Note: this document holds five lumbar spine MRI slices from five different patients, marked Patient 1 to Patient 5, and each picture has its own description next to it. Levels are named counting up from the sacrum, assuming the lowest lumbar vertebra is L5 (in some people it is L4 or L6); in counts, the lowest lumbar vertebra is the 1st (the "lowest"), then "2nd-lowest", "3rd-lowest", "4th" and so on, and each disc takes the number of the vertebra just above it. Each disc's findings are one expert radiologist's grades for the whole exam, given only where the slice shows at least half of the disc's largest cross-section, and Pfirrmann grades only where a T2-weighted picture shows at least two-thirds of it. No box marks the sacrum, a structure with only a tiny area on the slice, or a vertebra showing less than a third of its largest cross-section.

Patient 1 of 5:
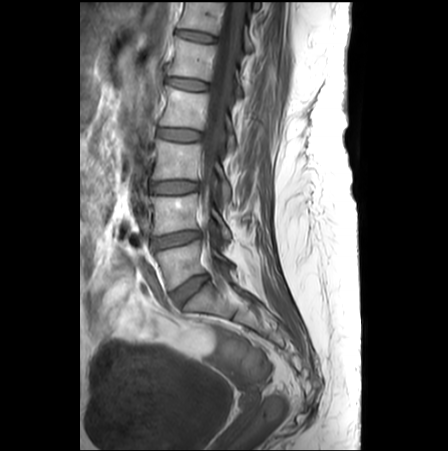

Lumbar spine MR, T1-weighted, sagittal | Sex F
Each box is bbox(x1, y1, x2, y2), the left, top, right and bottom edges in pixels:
L2: bbox(160, 86, 235, 149)
L4: bbox(149, 194, 231, 239)
L5 vertebra: bbox(155, 241, 233, 289)
intervertebral disc T12/L1: bbox(177, 30, 215, 42)
thecal sac / spinal canal: bbox(199, 0, 244, 212)
L3 vertebra: bbox(152, 139, 230, 202)
T12 vertebra: bbox(180, 2, 253, 51)
L1 vertebra: bbox(166, 36, 245, 97)
intervertebral disc L2/L3: bbox(158, 128, 201, 140)
intervertebral disc L5/S1: bbox(172, 274, 208, 303)
intervertebral disc L1/L2: bbox(167, 76, 206, 90)
intervertebral disc L3/L4: bbox(150, 181, 196, 193)
L4/L5: bbox(152, 231, 200, 248)

Expert MSK radiologist gradings (per disc):
  L1/L2: upper-endplate change, lower-endplate change, Modic type II
  L4/L5: disc narrowing
  T12/L1, L5/S1, L3/L4, L2/L3: no herniation, bulging, narrowing, spondylolisthesis, endplate or Modic change recorded

Patient 2 of 5:
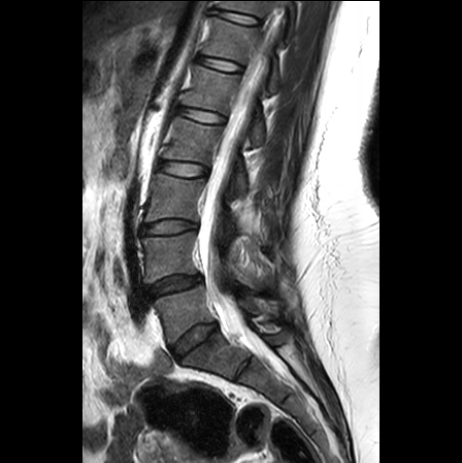
Slice 11/24. Field of view 280x281 mm, slice spacing 3.3 mm. Sagittal T2-weighted lumbar spine MRI.
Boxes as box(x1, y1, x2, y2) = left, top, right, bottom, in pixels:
{"spinal canal": "box(199, 1, 285, 372)", "6th disc": "box(198, 56, 240, 71)", "lowest vertebra": "box(155, 284, 260, 342)", "4th vertebra": "box(163, 117, 245, 194)", "2nd-lowest disc": "box(147, 275, 201, 296)", "lowest disc": "box(172, 322, 217, 359)", "3rd-lowest vertebra": "box(145, 173, 266, 241)", "3rd-lowest disc": "box(143, 220, 196, 234)", "7th disc": "box(215, 9, 258, 24)", "5th vertebra": "box(183, 66, 264, 144)", "7th vertebra": "box(216, 1, 296, 40)", "6th vertebra": "box(203, 17, 284, 91)", "5th disc": "box(178, 106, 224, 123)", "4th disc": "box(158, 160, 206, 176)", "2nd-lowest vertebra": "box(142, 232, 269, 284)"}

Expert MSK radiologist gradings (per disc):
• 4th disc: Pfirrmann grade 1
• 6th disc: Pfirrmann grade 1
• 5th disc: Pfirrmann grade 1
• lowest disc: Pfirrmann grade 3, disc narrowing, disc bulging
• 3rd-lowest disc: Pfirrmann grade 1
• 2nd-lowest disc: Pfirrmann grade 3, disc narrowing, disc bulging
• 7th disc: Pfirrmann grade 1

Patient 3 of 5:
Slice 10 of 25 | Lumbar spine MR, T1-weighted, sagittal | 512x512 px | Field of view 300x300 mm

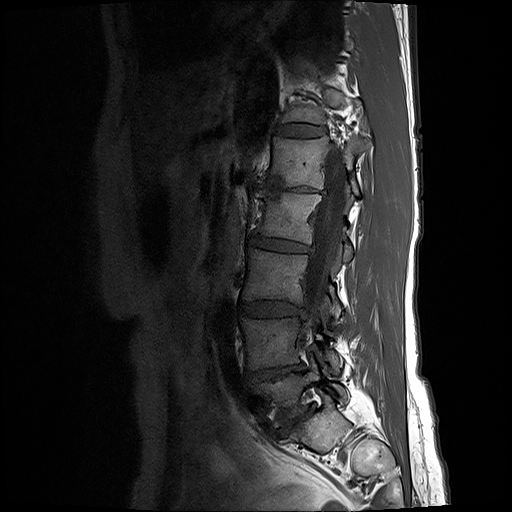
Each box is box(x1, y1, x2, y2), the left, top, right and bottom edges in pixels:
Structures:
- L5 (lowest vertebra) — box(251, 355, 345, 426)
- spinal canal — box(304, 146, 345, 336)
- intervertebral disc L1/L2 (5th disc) — box(257, 184, 321, 194)
- L1 (5th vertebra) — box(258, 136, 358, 195)
- L2 (4th vertebra) — box(255, 192, 352, 259)
- L2/L3 (4th disc) — box(250, 233, 310, 253)
- L4/L5 (2nd-lowest disc) — box(246, 364, 304, 382)
- L4 (2nd-lowest vertebra) — box(240, 316, 340, 373)
- intervertebral disc T12/L1 (6th disc) — box(273, 123, 325, 138)
- intervertebral disc L3/L4 (3rd-lowest disc) — box(238, 301, 304, 317)
- T12 (6th vertebra) — box(278, 91, 360, 125)
- L5/S1 (lowest disc) — box(278, 405, 312, 434)
- L3 (3rd-lowest vertebra) — box(242, 247, 341, 323)

Per-level radiological findings:
- L4/L5 (2nd-lowest disc): disc bulging, disc narrowing, Modic type II
- L1/L2 (5th disc): Modic type II, disc narrowing, disc bulging, lower-endplate change, upper-endplate change
- L2/L3 (4th disc): disc bulging, disc narrowing
- L3/L4 (3rd-lowest disc): disc bulging
- T12/L1 (6th disc): no spondylolisthesis, narrowing, bulging, herniation, Modic or endplate change recorded

Patient 4 of 5:
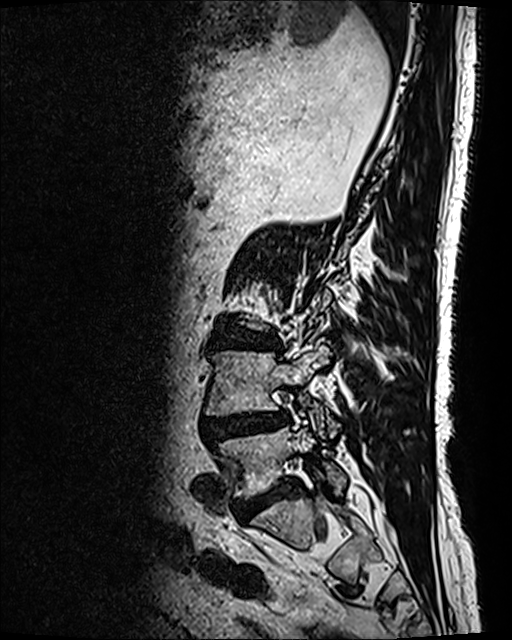
Slice 37/120, Sex M, Slice spacing 0.9 mm, 512x640 px, T2 SPACE (3D) sagittal MRI of the lumbar spine
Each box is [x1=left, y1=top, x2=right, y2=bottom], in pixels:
3rd-lowest disc = [x1=210, y1=328, x2=280, y2=351].
Lowest vertebra = [x1=219, y1=425, x2=346, y2=497].
2nd-lowest vertebra = [x1=205, y1=346, x2=330, y2=433].
Lowest disc = [x1=242, y1=478, x2=295, y2=515].
2nd-lowest disc = [x1=202, y1=411, x2=288, y2=446].

Expert MSK radiologist gradings (per disc):
• 2nd-lowest disc: Pfirrmann grade 4, disc bulging, disc narrowing, lower-endplate change, spondylolisthesis, upper-endplate change, disc herniation, Modic type II
• 3rd-lowest disc: Pfirrmann grade 4, upper-endplate change, disc bulging, lower-endplate change

Patient 5 of 5:
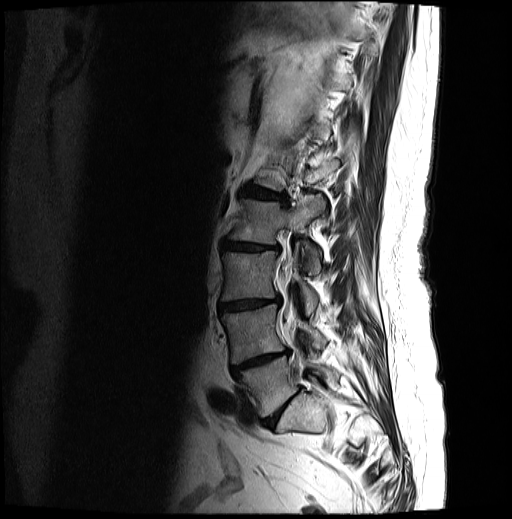 Sagittal T2-weighted lumbar spine MRI | Slice 18/27

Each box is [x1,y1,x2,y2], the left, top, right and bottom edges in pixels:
Lowest vertebra at [237,353,339,416], lowest disc at [262,395,295,428], 3rd-lowest disc at [218,297,280,312], 2nd-lowest disc at [231,348,289,375], spinal canal at [280,265,295,333], 4th vertebra at [228,195,325,270], 2nd-lowest vertebra at [221,305,326,364], 5th disc at [241,187,288,205], 3rd-lowest vertebra at [222,242,319,314], 4th disc at [222,242,279,251].

Radiological gradings:
• 5th disc: Pfirrmann grade 4, disc narrowing, upper-endplate change, Modic type II, disc bulging, lower-endplate change
• 4th disc: Pfirrmann grade 4, lower-endplate change, upper-endplate change, disc narrowing, disc bulging, Modic type II
• 3rd-lowest disc: Pfirrmann grade 4, lower-endplate change, Modic type II, disc bulging, disc narrowing, upper-endplate change
• 2nd-lowest disc: Pfirrmann grade 5, Modic type II, lower-endplate change, disc bulging, upper-endplate change, disc narrowing